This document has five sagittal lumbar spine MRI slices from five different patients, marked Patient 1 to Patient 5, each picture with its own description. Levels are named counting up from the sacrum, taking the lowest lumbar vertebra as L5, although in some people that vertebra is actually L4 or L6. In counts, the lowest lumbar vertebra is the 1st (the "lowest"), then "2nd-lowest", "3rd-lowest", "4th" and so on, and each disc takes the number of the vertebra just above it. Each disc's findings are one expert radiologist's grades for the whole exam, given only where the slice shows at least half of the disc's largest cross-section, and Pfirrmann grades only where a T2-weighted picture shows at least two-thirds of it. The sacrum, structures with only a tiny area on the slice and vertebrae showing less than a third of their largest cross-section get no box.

Patient 1 of 5:
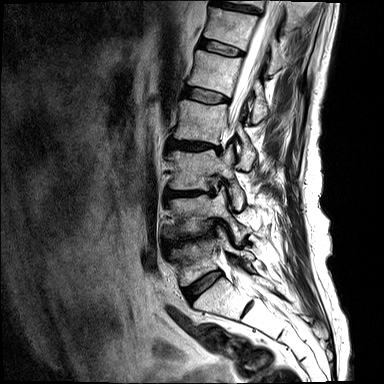

Sex M; Sagittal T2-weighted lumbar spine MRI; 384x384 px

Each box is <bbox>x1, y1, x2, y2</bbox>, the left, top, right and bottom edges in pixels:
Annotations:
• T12/L1 = <bbox>199, 37, 243, 56</bbox>
• L5/S1 = <bbox>184, 271, 221, 301</bbox>
• L4 vertebra = <bbox>170, 188, 246, 242</bbox>
• L4/L5 = <bbox>179, 233, 205, 242</bbox>
• intervertebral disc T11/T12 = <bbox>211, 1, 256, 13</bbox>
• L1 vertebra = <bbox>188, 50, 267, 122</bbox>
• intervertebral disc L1/L2 = <bbox>183, 85, 228, 102</bbox>
• L3 vertebra = <bbox>169, 145, 244, 209</bbox>
• L2/L3 = <bbox>168, 139, 219, 150</bbox>
• L3/L4 = <bbox>166, 189, 213, 196</bbox>
• L5 vertebra = <bbox>171, 226, 254, 285</bbox>
• L2 vertebra = <bbox>173, 99, 256, 168</bbox>
• T12 vertebra = <bbox>204, 6, 283, 75</bbox>
• spinal canal = <bbox>228, 0, 282, 128</bbox>
• T11 = <bbox>231, 0, 299, 29</bbox>

Degenerative findings by level:
- L4/L5: upper-endplate change, disc bulging, disc narrowing, Modic type I, lower-endplate change
- L1/L2: Pfirrmann grade 3
- L5/S1: Pfirrmann grade 3, disc bulging, Modic type II
- L2/L3: Pfirrmann grade 4, disc bulging, disc narrowing, Modic type II, upper-endplate change, lower-endplate change
- T11/T12: Pfirrmann grade 3, lower-endplate change, upper-endplate change
- T12/L1: Pfirrmann grade 3

Patient 2 of 5:
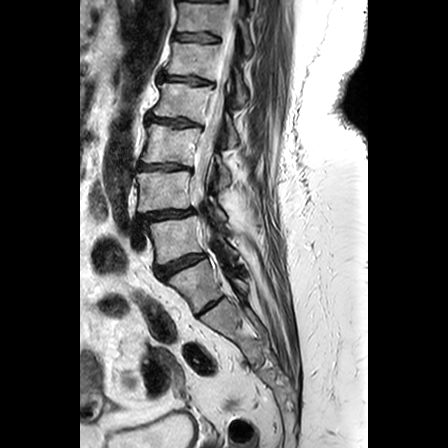 Lumbar spine MR, T2-weighted, sagittal; 448x448 px

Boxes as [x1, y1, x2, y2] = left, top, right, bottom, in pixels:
L5 (lowest vertebra) at [147, 214, 236, 264], L4 (2nd-lowest vertebra) at [135, 170, 224, 219], L3/L4 (3rd-lowest disc) at [138, 162, 192, 171], L1 (5th vertebra) at [166, 41, 246, 101], spinal canal at [191, 0, 238, 240], intervertebral disc L4/L5 (2nd-lowest disc) at [137, 208, 193, 223], T12 (6th vertebra) at [177, 2, 252, 54], intervertebral disc L1/L2 (5th disc) at [159, 72, 214, 86], L5/S1 (lowest disc) at [154, 253, 204, 277], intervertebral disc T12/L1 (6th disc) at [174, 32, 221, 43], L3 (3rd-lowest vertebra) at [142, 123, 230, 188], L2/L3 (4th disc) at [147, 113, 203, 127], L2 (4th vertebra) at [153, 81, 237, 145].

Degenerative findings by level:
  L2/L3 (4th disc): Pfirrmann grade 3, disc narrowing, disc bulging, lower-endplate change, upper-endplate change, Modic type II
  L4/L5 (2nd-lowest disc): Pfirrmann grade 4, disc bulging, spondylolisthesis, disc narrowing
  L1/L2 (5th disc): Pfirrmann grade 3, upper-endplate change, disc bulging, lower-endplate change, disc narrowing, Modic type II
  T12/L1 (6th disc): Pfirrmann grade 3, lower-endplate change, Modic type II, upper-endplate change
  L5/S1 (lowest disc): Pfirrmann grade 4, disc bulging
  L3/L4 (3rd-lowest disc): Pfirrmann grade 3, disc narrowing, lower-endplate change, disc bulging, upper-endplate change, Modic type II

Patient 3 of 5:
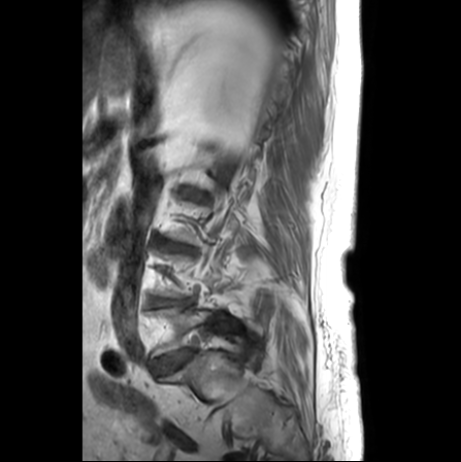
Patient sex: F. Lumbar spine MR, T1-weighted, sagittal. Slice spacing 3.3 mm.

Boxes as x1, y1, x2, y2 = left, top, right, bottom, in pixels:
4th disc at 187, 189, 208, 200.
2nd-lowest disc at 150, 297, 187, 306.
3rd-lowest disc at 160, 241, 193, 251.
Lowest disc at 155, 350, 192, 372.

Patient 4 of 5:
Slice spacing 4.4 mm | Slice 9/15 | Lumbar spine MR, T1-weighted, sagittal
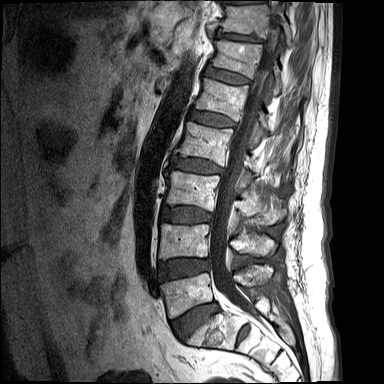 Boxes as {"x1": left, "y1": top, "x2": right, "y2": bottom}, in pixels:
Spinal canal: {"x1": 210, "y1": 10, "x2": 279, "y2": 308}.
Lowest vertebra: {"x1": 161, "y1": 266, "x2": 272, "y2": 318}.
4th disc: {"x1": 173, "y1": 158, "x2": 223, "y2": 173}.
7th vertebra: {"x1": 221, "y1": 4, "x2": 293, "y2": 47}.
2nd-lowest vertebra: {"x1": 159, "y1": 224, "x2": 273, "y2": 259}.
5th vertebra: {"x1": 196, "y1": 78, "x2": 298, "y2": 136}.
5th disc: {"x1": 189, "y1": 111, "x2": 235, "y2": 127}.
3rd-lowest disc: {"x1": 162, "y1": 207, "x2": 211, "y2": 223}.
6th vertebra: {"x1": 212, "y1": 40, "x2": 282, "y2": 95}.
3rd-lowest vertebra: {"x1": 165, "y1": 171, "x2": 286, "y2": 224}.
2nd-lowest disc: {"x1": 160, "y1": 259, "x2": 210, "y2": 280}.
4th vertebra: {"x1": 175, "y1": 122, "x2": 256, "y2": 176}.
7th disc: {"x1": 216, "y1": 32, "x2": 263, "y2": 43}.
6th disc: {"x1": 206, "y1": 68, "x2": 249, "y2": 84}.
Lowest disc: {"x1": 172, "y1": 303, "x2": 218, "y2": 339}.

Expert MSK radiologist gradings (per disc):
- 2nd-lowest disc: disc bulging
- 4th disc: lower-endplate change, disc bulging, upper-endplate change
- 3rd-lowest disc: lower-endplate change, upper-endplate change, disc bulging
- 7th disc: upper-endplate change, disc narrowing, lower-endplate change
- 5th disc: lower-endplate change, upper-endplate change
- lowest disc: disc bulging
- 6th disc: no spondylolisthesis, narrowing, bulging, herniation, Modic or endplate change recorded

Patient 5 of 5:
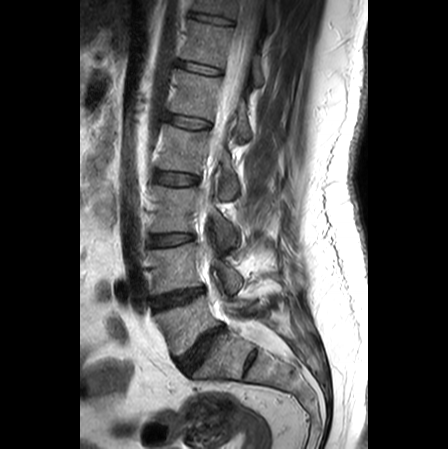

Sex M | T2-weighted sagittal MRI of the lumbar spine | Slice 10/25
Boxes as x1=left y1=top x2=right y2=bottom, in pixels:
L1 at x1=170 y1=70 x2=250 y2=139, T11 at x1=193 y1=0 x2=273 y2=28, L3 at x1=151 y1=185 x2=235 y2=248, spinal canal at x1=203 y1=0 x2=283 y2=353, L2 at x1=154 y1=124 x2=238 y2=199, L4/L5 at x1=153 y1=289 x2=203 y2=309, T12 vertebra at x1=181 y1=20 x2=263 y2=85, L1/L2 at x1=166 y1=115 x2=209 y2=127, L4 vertebra at x1=148 y1=241 x2=241 y2=294, intervertebral disc T11/T12 at x1=190 y1=13 x2=233 y2=26, L5/S1 at x1=179 y1=327 x2=223 y2=372, intervertebral disc T12/L1 at x1=179 y1=62 x2=221 y2=74, L3/L4 at x1=149 y1=233 x2=192 y2=245, L5 vertebra at x1=156 y1=283 x2=251 y2=355, L2/L3 at x1=153 y1=171 x2=198 y2=185.

Degenerative findings by level:
• T11/T12: Pfirrmann grade 1
• L5/S1: Pfirrmann grade 5, Modic type II, disc bulging, disc narrowing
• T12/L1: Pfirrmann grade 1
• L1/L2: Pfirrmann grade 1
• L4/L5: Modic type II, disc bulging
• L2/L3: Pfirrmann grade 1
• L3/L4: no Modic or endplate change, herniation, narrowing, bulging or spondylolisthesis recorded